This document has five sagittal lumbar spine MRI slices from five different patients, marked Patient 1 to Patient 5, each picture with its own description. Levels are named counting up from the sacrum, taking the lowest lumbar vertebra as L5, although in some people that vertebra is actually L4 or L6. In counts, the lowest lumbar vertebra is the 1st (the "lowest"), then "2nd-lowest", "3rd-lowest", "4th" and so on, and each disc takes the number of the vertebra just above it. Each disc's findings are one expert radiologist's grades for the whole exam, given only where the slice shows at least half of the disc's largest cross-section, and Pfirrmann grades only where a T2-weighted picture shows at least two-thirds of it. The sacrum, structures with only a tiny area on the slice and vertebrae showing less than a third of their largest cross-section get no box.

Patient 1 of 5:
T2 SPACE (3D) sagittal MRI of the lumbar spine | 512x640 px 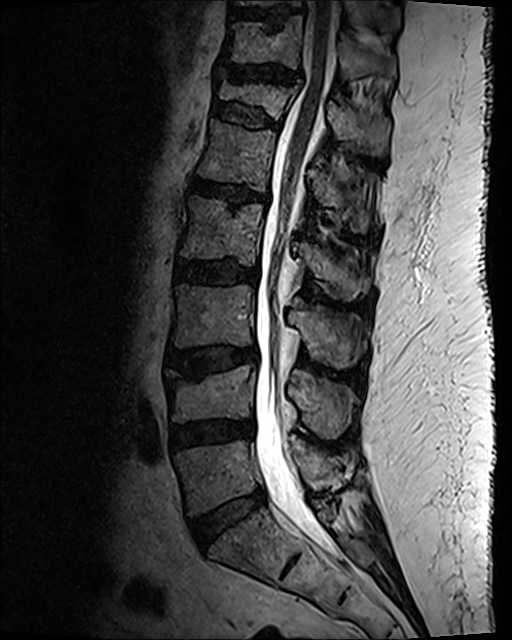

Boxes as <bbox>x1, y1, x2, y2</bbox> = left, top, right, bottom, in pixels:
Segmented structures:
- L5 vertebra at <bbox>176, 435, 336, 515</bbox>
- L2/L3 at <bbox>177, 260, 258, 284</bbox>
- T12 at <bbox>218, 85, 390, 155</bbox>
- L4/L5 at <bbox>170, 422, 252, 447</bbox>
- T11 vertebra at <bbox>223, 16, 395, 84</bbox>
- IVD L5/S1 at <bbox>190, 489, 266, 546</bbox>
- L2 vertebra at <bbox>181, 199, 369, 300</bbox>
- L1 vertebra at <bbox>197, 121, 371, 231</bbox>
- L3 at <bbox>171, 285, 362, 368</bbox>
- thecal sac / spinal canal at <bbox>254, 1, 336, 547</bbox>
- T10/T11 at <bbox>233, 11, 297, 22</bbox>
- IVD L3/L4 at <bbox>167, 349, 256, 374</bbox>
- L1/L2 at <bbox>191, 180, 267, 208</bbox>
- L4 vertebra at <bbox>162, 366, 354, 439</bbox>
- T12/L1 at <bbox>212, 102, 279, 130</bbox>
- IVD T11/T12 at <bbox>227, 66, 300, 83</bbox>

Radiological gradings:
• L3/L4: Pfirrmann grade 3, Modic type II, lower-endplate change, disc bulging, upper-endplate change
• L2/L3: Pfirrmann grade 3, lower-endplate change, disc bulging
• L5/S1: Pfirrmann grade 2, disc bulging
• L4/L5: Pfirrmann grade 3, disc bulging, disc narrowing
• T12/L1: Pfirrmann grade 2, upper-endplate change, spondylolisthesis, disc bulging, lower-endplate change
• T11/T12: Pfirrmann grade 2, lower-endplate change, disc bulging, disc narrowing, upper-endplate change
• L1/L2: Pfirrmann grade 3, disc bulging, lower-endplate change, disc narrowing, Modic type II, upper-endplate change

Patient 2 of 5:
Lumbar spine MR, T2-weighted, sagittal. Field of view 310x309 mm, slice spacing 4.4 mm.
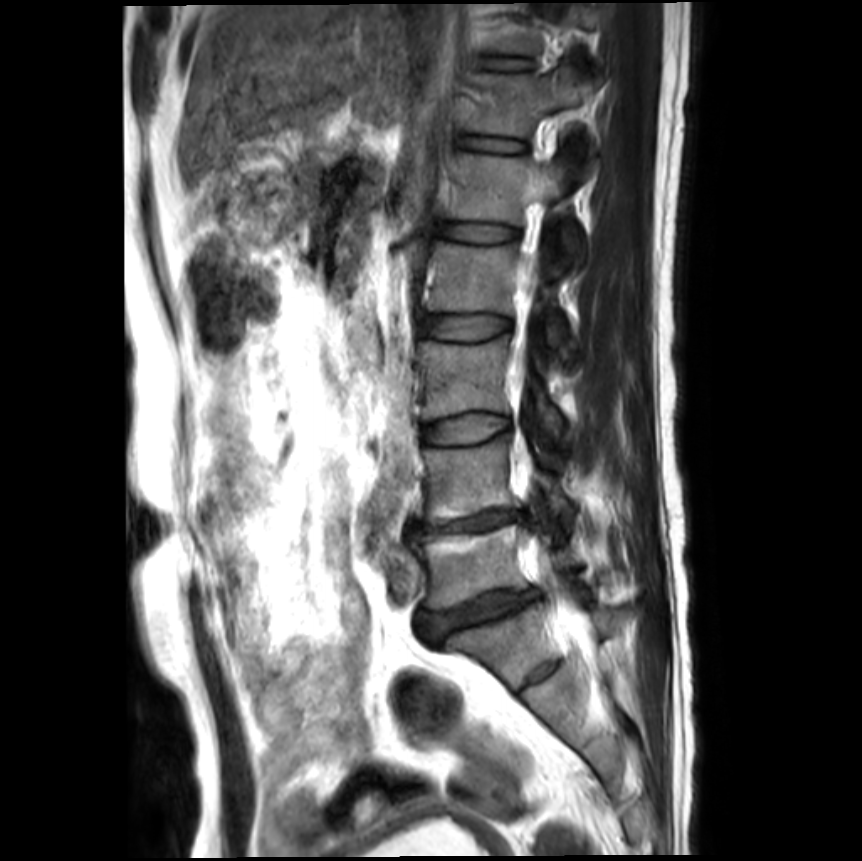 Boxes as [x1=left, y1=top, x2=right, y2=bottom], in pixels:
Segmented structures:
• disc L2/L3 at [x1=422, y1=315, x2=510, y2=339]
• L5 at [x1=410, y1=525, x2=577, y2=608]
• L1 at [x1=445, y1=152, x2=577, y2=255]
• L3 vertebra at [x1=418, y1=338, x2=563, y2=437]
• disc L1/L2 at [x1=438, y1=221, x2=518, y2=242]
• T12 vertebra at [x1=469, y1=65, x2=594, y2=135]
• L4 at [x1=417, y1=435, x2=578, y2=523]
• L3/L4 at [x1=422, y1=413, x2=510, y2=444]
• L2 vertebra at [x1=425, y1=241, x2=567, y2=347]
• T12/L1 at [x1=459, y1=136, x2=523, y2=152]
• L4/L5 at [x1=408, y1=508, x2=523, y2=533]
• disc T11/T12 at [x1=479, y1=57, x2=526, y2=69]
• disc L5/S1 at [x1=417, y1=589, x2=536, y2=641]
• spinal canal at [x1=521, y1=268, x2=592, y2=641]

Degenerative findings by level:
  L5/S1: Pfirrmann grade 4, disc narrowing, lower-endplate change, upper-endplate change, spondylolisthesis, disc bulging
  L4/L5: Pfirrmann grade 5, disc bulging, disc narrowing, lower-endplate change, upper-endplate change, Modic type II
  T12/L1: Pfirrmann grade 1
  L1/L2: Pfirrmann grade 1
  L3/L4: Pfirrmann grade 1
  L2/L3: Pfirrmann grade 1
  T11/T12: no herniation, bulging, narrowing, spondylolisthesis, endplate or Modic change recorded

Patient 3 of 5:
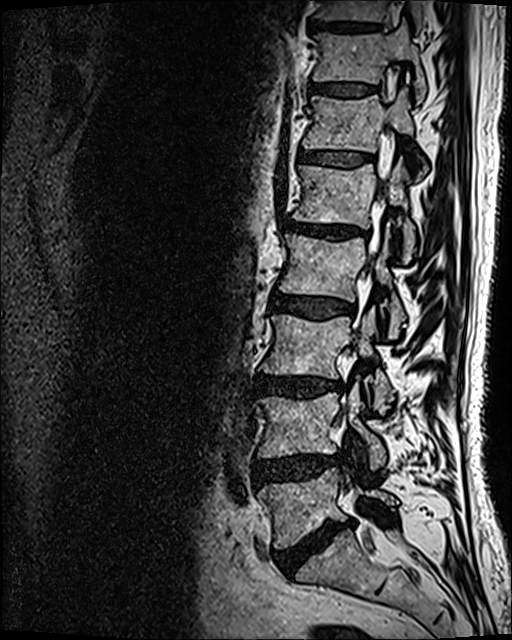 Slice 76 of 120; Lumbar spine MR, T2 SPACE (3D), sagittal
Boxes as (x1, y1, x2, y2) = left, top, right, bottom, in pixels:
L5/S1 (lowest disc) at (274, 521, 352, 576), L2/L3 (4th disc) at (270, 292, 351, 319), L4 (2nd-lowest vertebra) at (258, 384, 385, 470), IVD L4/L5 (2nd-lowest disc) at (254, 455, 336, 485), IVD T10/T11 (8th disc) at (309, 20, 377, 30), L5 (lowest vertebra) at (258, 468, 397, 547), L2 (4th vertebra) at (280, 229, 405, 338), T11/T12 (7th disc) at (310, 84, 373, 96), T12 (6th vertebra) at (303, 88, 426, 178), L3/L4 (3rd-lowest disc) at (254, 374, 340, 398), spinal canal at (341, 197, 383, 536), T10 (8th vertebra) at (315, 0, 421, 32), L3 (3rd-lowest vertebra) at (260, 307, 393, 413), IVD T12/L1 (6th disc) at (299, 151, 372, 166), T11 (7th vertebra) at (313, 23, 426, 104), L1 (5th vertebra) at (293, 158, 415, 262), L1/L2 (5th disc) at (286, 220, 358, 238).

Per-level radiological findings:
  L5/S1 (lowest disc): Pfirrmann grade 5, disc bulging, Modic type II, lower-endplate change, disc narrowing
  L3/L4 (3rd-lowest disc): Pfirrmann grade 4, disc narrowing, lower-endplate change, Modic type II, disc bulging
  L4/L5 (2nd-lowest disc): Pfirrmann grade 4, disc herniation, disc bulging
  T11/T12 (7th disc): Pfirrmann grade 3
  L2/L3 (4th disc): Pfirrmann grade 3, disc bulging
  T12/L1 (6th disc): Pfirrmann grade 3
  L1/L2 (5th disc): Pfirrmann grade 4, Modic type II, disc narrowing, lower-endplate change, upper-endplate change, disc bulging

Patient 4 of 5:
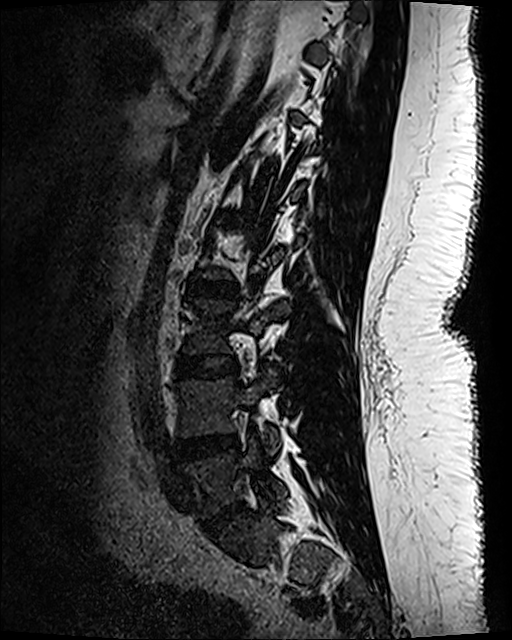 Sex F | Image 512x640 | Sagittal slice index 35 | T2 SPACE (3D) sagittal MRI of the lumbar spine

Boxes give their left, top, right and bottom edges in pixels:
Segmented structures:
• 4th disc: left=187, top=278, right=238, bottom=299
• lowest disc: left=203, top=501, right=241, bottom=531
• 2nd-lowest vertebra: left=179, top=372, right=280, bottom=452
• 3rd-lowest vertebra: left=183, top=299, right=289, bottom=353
• lowest vertebra: left=183, top=439, right=285, bottom=516
• 2nd-lowest disc: left=178, top=435, right=236, bottom=461
• 3rd-lowest disc: left=176, top=355, right=237, bottom=376

Per-level radiological findings:
• 2nd-lowest disc: Pfirrmann grade 3, disc narrowing, disc bulging
• 3rd-lowest disc, 4th disc: no herniation, bulging, narrowing, spondylolisthesis, endplate or Modic change recorded

Patient 5 of 5:
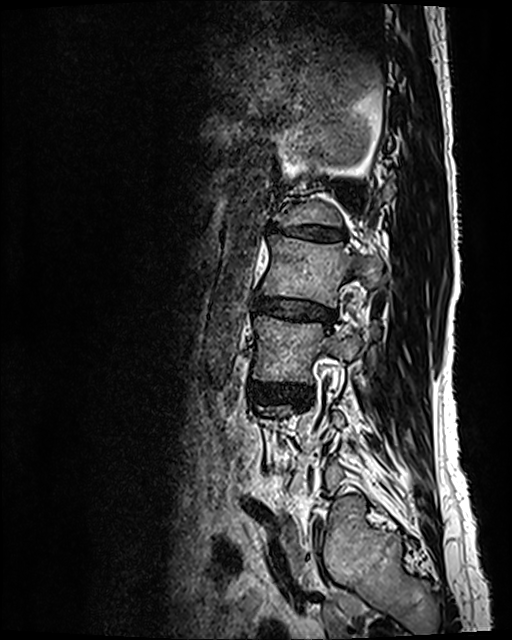 T2 SPACE (3D) sagittal MRI of the lumbar spine

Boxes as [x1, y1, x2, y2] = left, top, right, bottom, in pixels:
L2: [260, 234, 383, 306]
IVD L2/L3: [254, 297, 335, 324]
IVD L1/L2: [270, 224, 344, 241]
IVD L3/L4: [250, 382, 308, 402]
L3 vertebra: [254, 316, 360, 382]

Degenerative findings by level:
- L2/L3: Pfirrmann grade 3, disc bulging, disc narrowing
- L1/L2: Pfirrmann grade 5, lower-endplate change, Modic type II, disc bulging, upper-endplate change, disc narrowing
- L3/L4: disc bulging